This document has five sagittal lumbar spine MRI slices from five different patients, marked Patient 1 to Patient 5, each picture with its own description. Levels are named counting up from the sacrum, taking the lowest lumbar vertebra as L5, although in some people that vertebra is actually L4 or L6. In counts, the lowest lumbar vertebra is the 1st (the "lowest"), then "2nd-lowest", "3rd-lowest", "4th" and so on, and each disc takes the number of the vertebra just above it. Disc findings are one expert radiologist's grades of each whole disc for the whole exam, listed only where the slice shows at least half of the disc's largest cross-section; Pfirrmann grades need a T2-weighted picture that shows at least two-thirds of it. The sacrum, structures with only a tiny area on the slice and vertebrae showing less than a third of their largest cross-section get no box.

Patient 1 of 5:
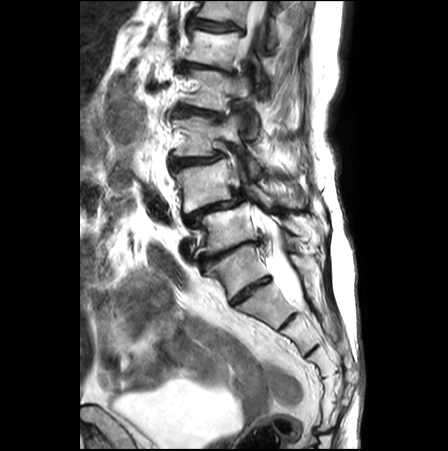 Lumbar spine MR, T2-weighted, sagittal | Image 448x451 | Slice spacing 3.3 mm | Sex F

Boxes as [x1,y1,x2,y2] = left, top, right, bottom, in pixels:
6th vertebra at [196,1,278,47], 4th vertebra at [182,66,258,137], 3rd-lowest disc at [170,154,222,171], 5th vertebra at [186,29,267,97], spinal canal at [236,0,303,305], 5th disc at [182,61,235,75], 3rd-lowest vertebra at [173,114,283,175], 6th disc at [188,13,244,33], 2nd-lowest disc at [184,189,246,227], 2nd-lowest vertebra at [173,158,303,212], lowest disc at [198,240,260,266], lowest vertebra at [200,202,313,252], 4th disc at [173,105,224,119].

Expert MSK radiologist gradings (per disc):
- 4th disc: Pfirrmann grade 4, disc bulging, upper-endplate change, Modic type II, disc narrowing, spondylolisthesis, lower-endplate change
- 3rd-lowest disc: disc narrowing, Modic type II, spondylolisthesis, lower-endplate change, upper-endplate change, disc bulging
- lowest disc: lower-endplate change, disc herniation, Modic type II, upper-endplate change, disc narrowing, disc bulging
- 6th disc: Pfirrmann grade 4, upper-endplate change, disc bulging, lower-endplate change
- 2nd-lowest disc: Pfirrmann grade 5, spondylolisthesis, upper-endplate change, disc herniation, disc bulging, disc narrowing, Modic type II, lower-endplate change
- 5th disc: Pfirrmann grade 5, disc bulging, lower-endplate change, disc narrowing

Patient 2 of 5:
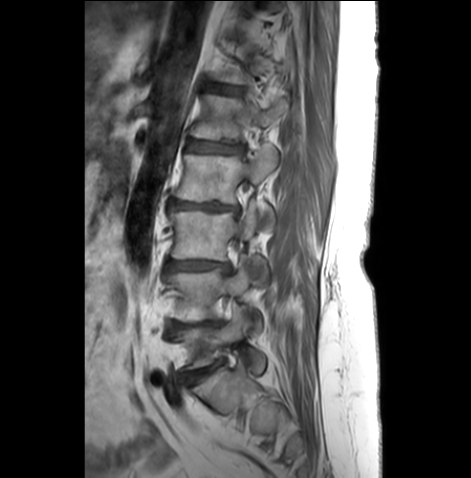

Sex F. MRI lumbar spine (T1-weighted), sagittal plane.

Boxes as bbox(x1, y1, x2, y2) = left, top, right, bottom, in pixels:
Annotations:
* intervertebral disc L3/L4 (3rd-lowest disc) at bbox(165, 259, 232, 272)
* L3 (3rd-lowest vertebra) at bbox(171, 200, 268, 278)
* intervertebral disc L2/L3 (4th disc) at bbox(169, 199, 239, 210)
* L5 (lowest vertebra) at bbox(178, 305, 265, 372)
* T12/L1 (6th disc) at bbox(204, 83, 241, 93)
* L4 (2nd-lowest vertebra) at bbox(166, 256, 262, 332)
* intervertebral disc L5/S1 (lowest disc) at bbox(182, 363, 221, 381)
* intervertebral disc L1/L2 (5th disc) at bbox(187, 140, 241, 152)
* L2 (4th vertebra) at bbox(171, 145, 278, 222)
* intervertebral disc L4/L5 (2nd-lowest disc) at bbox(168, 321, 220, 331)
* L1 (5th vertebra) at bbox(190, 94, 289, 142)

Degenerative findings by level:
• L4/L5 (2nd-lowest disc): disc bulging, lower-endplate change, upper-endplate change, disc narrowing, Modic type II
• L1/L2 (5th disc): upper-endplate change, disc bulging, Modic type II, lower-endplate change
• L5/S1 (lowest disc): disc bulging, Modic type II, disc narrowing
• L2/L3 (4th disc): Modic type II, disc bulging, lower-endplate change, upper-endplate change, disc narrowing
• L3/L4 (3rd-lowest disc): Modic type II, disc bulging, disc narrowing

Patient 3 of 5:
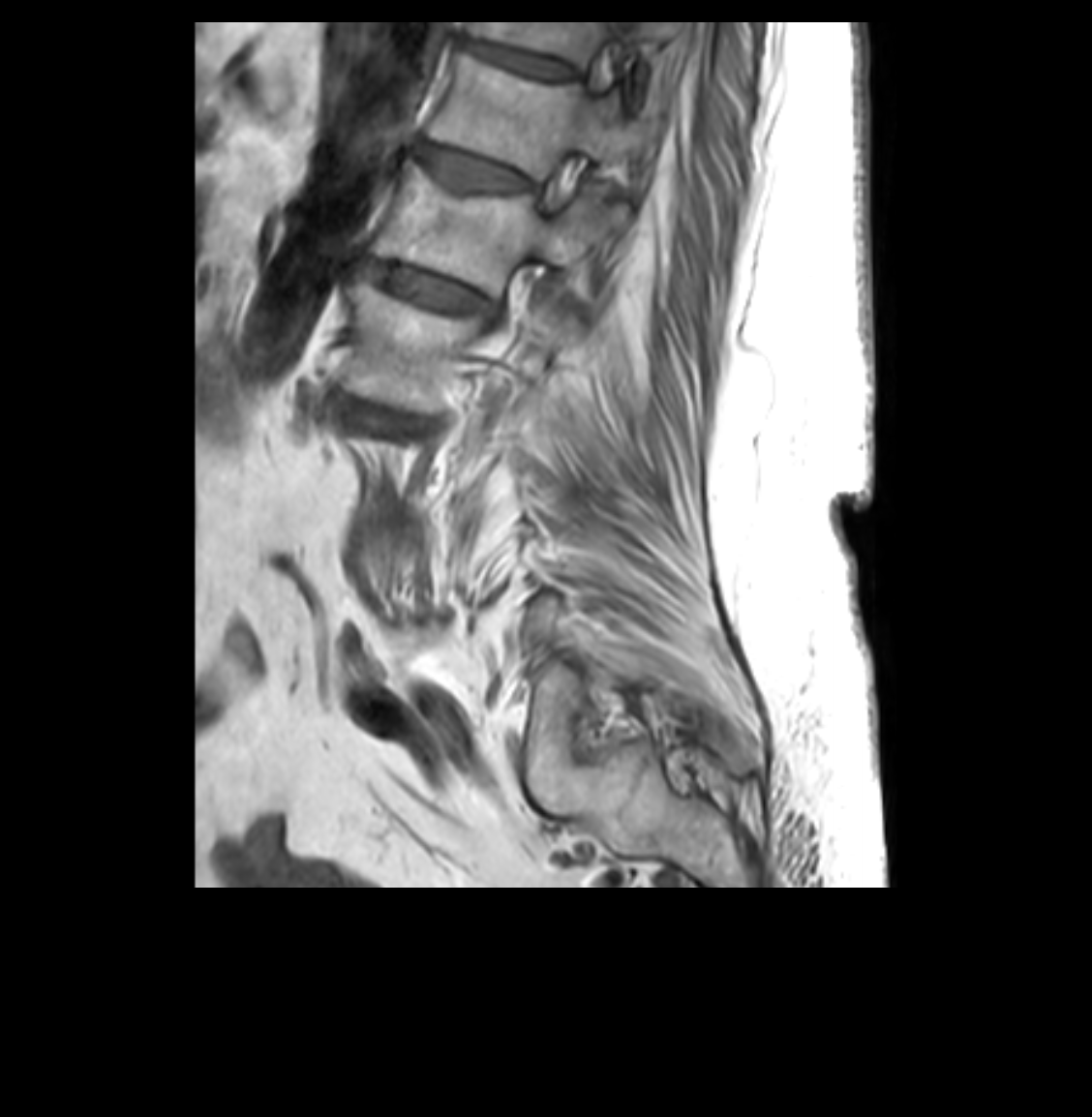 Lumbar spine MR, T1-weighted, sagittal
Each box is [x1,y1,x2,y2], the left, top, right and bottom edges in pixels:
L1 vertebra at [371,162,625,296], T11/T12 at [466,40,574,79], T12/L1 at [419,145,528,192], L2 vertebra at [344,277,553,398], T11 vertebra at [468,21,654,68], disc L1/L2 at [366,262,497,314], T12 at [429,54,635,180].

Per-level radiological findings:
  T12/L1: disc bulging, disc narrowing
  T11/T12: disc narrowing
  L1/L2: upper-endplate change, lower-endplate change, disc bulging, disc narrowing

Patient 4 of 5:
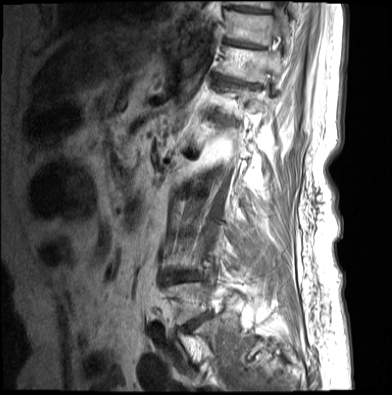

Field of view 280x282 mm, slice spacing 4.4 mm. Sagittal T1-weighted lumbar spine MRI. Patient sex: F.
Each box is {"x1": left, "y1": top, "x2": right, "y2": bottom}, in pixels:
L5 (lowest vertebra): {"x1": 164, "y1": 282, "x2": 225, "y2": 324}
T11 (7th vertebra): {"x1": 216, "y1": 45, "x2": 283, "y2": 81}
T10 (8th vertebra): {"x1": 224, "y1": 9, "x2": 290, "y2": 45}
T9 (9th vertebra): {"x1": 225, "y1": 0, "x2": 272, "y2": 9}
disc T9/T10 (9th disc): {"x1": 230, "y1": 6, "x2": 269, "y2": 12}
T10/T11 (8th disc): {"x1": 224, "y1": 38, "x2": 264, "y2": 48}
disc T11/T12 (7th disc): {"x1": 214, "y1": 73, "x2": 255, "y2": 86}
L5/S1 (lowest disc): {"x1": 181, "y1": 313, "x2": 207, "y2": 330}
disc L4/L5 (2nd-lowest disc): {"x1": 166, "y1": 274, "x2": 202, "y2": 283}
thecal sac / spinal canal: {"x1": 274, "y1": 0, "x2": 285, "y2": 33}

Radiological gradings:
• T10/T11 (8th disc): Modic type II
• T11/T12 (7th disc): disc narrowing, Modic type II, disc bulging
• L4/L5 (2nd-lowest disc): Modic type II, upper-endplate change, lower-endplate change, disc narrowing, disc bulging
• T9/T10 (9th disc): no spondylolisthesis, narrowing, bulging, herniation, Modic or endplate change recorded

Patient 5 of 5:
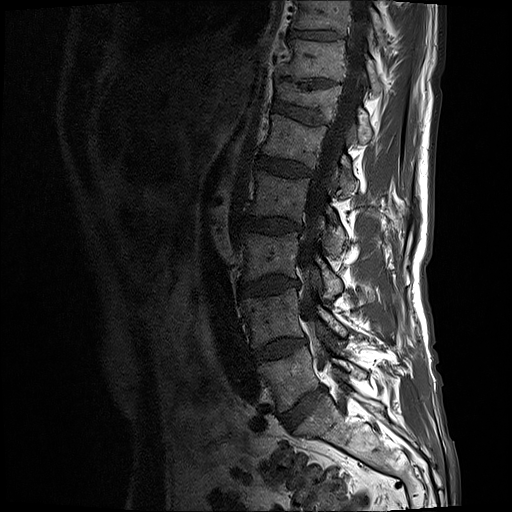 Sex M. T1-weighted sagittal MRI of the lumbar spine. 512x512 px.

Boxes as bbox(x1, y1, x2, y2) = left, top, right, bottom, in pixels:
{"IVD L2/L3": "bbox(240, 215, 301, 233)", "L5": "bbox(258, 346, 366, 410)", "L4 vertebra": "bbox(241, 287, 346, 346)", "T11 vertebra": "bbox(281, 40, 380, 92)", "IVD L4/L5": "bbox(252, 339, 305, 362)", "L3/L4": "bbox(240, 278, 298, 294)", "L1 vertebra": "bbox(263, 114, 354, 197)", "T10 vertebra": "bbox(294, 0, 384, 42)", "T12": "bbox(276, 83, 370, 144)", "IVD L5/S1": "bbox(281, 387, 323, 427)", "L3 vertebra": "bbox(242, 232, 341, 302)", "L2 vertebra": "bbox(250, 169, 345, 256)", "T10/T11": "bbox(290, 30, 339, 39)", "IVD T11/T12": "bbox(302, 80, 332, 87)", "T12/L1": "bbox(273, 99, 327, 124)", "spinal canal": "bbox(298, 0, 368, 391)", "L1/L2": "bbox(257, 154, 313, 177)"}

Degenerative findings by level:
  T11/T12: lower-endplate change, disc narrowing, upper-endplate change
  T12/L1: lower-endplate change, upper-endplate change
  L5/S1: disc narrowing, disc bulging
  L2/L3: Modic type II, disc bulging
  L3/L4: disc narrowing, disc bulging, Modic type II
  L4/L5: Modic type II, disc bulging
  L1/L2, T10/T11: no herniation, bulging, narrowing, spondylolisthesis, endplate or Modic change recorded